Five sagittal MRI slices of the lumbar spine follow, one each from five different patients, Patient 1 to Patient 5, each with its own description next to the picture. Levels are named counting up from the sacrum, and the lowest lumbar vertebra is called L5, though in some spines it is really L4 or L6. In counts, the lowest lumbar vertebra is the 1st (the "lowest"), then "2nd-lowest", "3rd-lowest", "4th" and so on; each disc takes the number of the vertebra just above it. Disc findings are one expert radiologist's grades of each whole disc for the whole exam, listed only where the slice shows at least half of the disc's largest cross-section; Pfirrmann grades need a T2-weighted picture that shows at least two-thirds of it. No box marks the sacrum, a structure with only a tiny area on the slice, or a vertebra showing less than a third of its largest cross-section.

Patient 1 of 5:
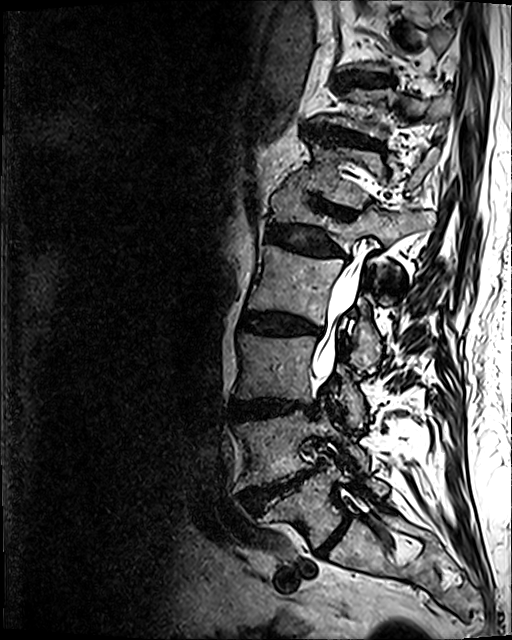 Slice 47 of 120; Image 512x640; T2 SPACE (3D) sagittal MRI of the lumbar spine; Slice spacing 0.9 mm
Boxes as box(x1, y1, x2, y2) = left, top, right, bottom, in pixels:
6th vertebra = box(292, 139, 438, 208).
Spinal canal = box(313, 254, 363, 379).
Lowest vertebra = box(270, 460, 387, 548).
7th vertebra = box(311, 89, 453, 138).
4th disc = box(241, 312, 321, 335).
3rd-lowest vertebra = box(234, 332, 364, 425).
4th vertebra = box(248, 244, 395, 371).
2nd-lowest vertebra = box(236, 409, 367, 488).
2nd-lowest disc = box(244, 468, 316, 513).
5th vertebra = box(269, 181, 436, 302).
3rd-lowest disc = box(232, 400, 315, 420).
8th disc = box(341, 73, 391, 85).
7th disc = box(305, 126, 382, 149).
5th disc = box(267, 224, 343, 256).
Lowest disc = box(316, 515, 350, 555).
6th disc = box(310, 200, 353, 218).

Per-level radiological findings:
  4th disc: Pfirrmann grade 4, disc narrowing, Modic type II, lower-endplate change, disc bulging, upper-endplate change
  2nd-lowest disc: Pfirrmann grade 5, disc herniation, Modic type II, disc narrowing, lower-endplate change, upper-endplate change, disc bulging
  3rd-lowest disc: Pfirrmann grade 4, disc bulging, upper-endplate change, disc narrowing, lower-endplate change
  7th disc: Pfirrmann grade 4, upper-endplate change, disc bulging, lower-endplate change, disc narrowing
  5th disc: Pfirrmann grade 4, lower-endplate change, disc bulging, disc narrowing, upper-endplate change
  8th disc: upper-endplate change, disc bulging, lower-endplate change

Patient 2 of 5:
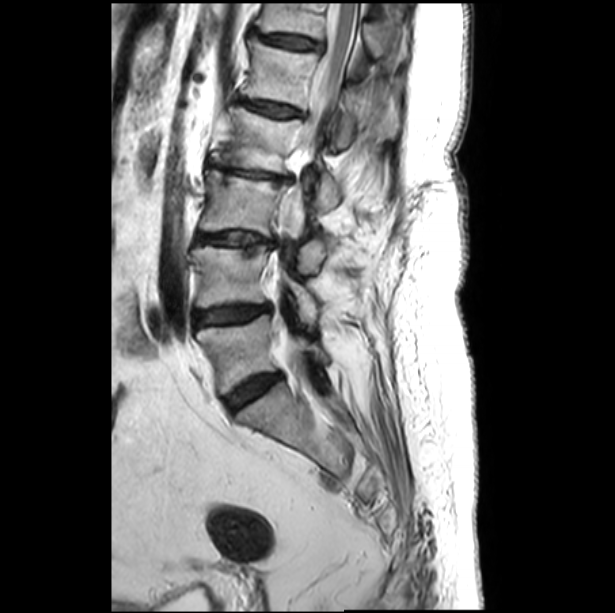 Lumbar spine MR, T2-weighted, sagittal | Slice 14 of 32

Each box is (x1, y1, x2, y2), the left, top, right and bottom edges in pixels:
• L3/L4 (3rd-lowest disc) = (196, 232, 274, 246)
• L4 (2nd-lowest vertebra) = (192, 246, 316, 323)
• L2 (4th vertebra) = (211, 107, 342, 210)
• L4/L5 (2nd-lowest disc) = (195, 304, 269, 325)
• disc L5/S1 (lowest disc) = (226, 374, 280, 410)
• T12 (6th vertebra) = (256, 3, 407, 61)
• L5 (lowest vertebra) = (198, 301, 327, 393)
• disc T12/L1 (6th disc) = (261, 35, 320, 49)
• thecal sac / spinal canal = (282, 3, 358, 231)
• L2/L3 (4th disc) = (207, 162, 292, 183)
• disc L1/L2 (5th disc) = (242, 100, 300, 118)
• L3 (3rd-lowest vertebra) = (200, 170, 327, 273)
• L1 (5th vertebra) = (240, 37, 398, 153)

Degenerative findings by level:
• L4/L5 (2nd-lowest disc): Pfirrmann grade 4, disc bulging
• L2/L3 (4th disc): disc narrowing, upper-endplate change, lower-endplate change, Modic type II, disc bulging
• L5/S1 (lowest disc): disc bulging
• T12/L1 (6th disc): Pfirrmann grade 3, upper-endplate change, lower-endplate change, Modic type II, disc bulging
• L3/L4 (3rd-lowest disc): Pfirrmann grade 3, lower-endplate change, disc narrowing, Modic type II, upper-endplate change, disc bulging
• L1/L2 (5th disc): Pfirrmann grade 3, lower-endplate change, Modic type II, upper-endplate change, disc bulging

Patient 3 of 5:
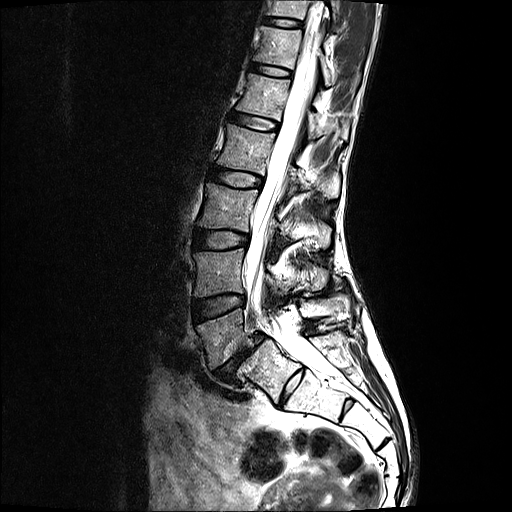
Lumbar spine MR, T2-weighted, sagittal.

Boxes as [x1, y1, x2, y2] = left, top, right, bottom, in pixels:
Lowest disc: [212, 332, 266, 381].
6th disc: [251, 63, 291, 76].
3rd-lowest disc: [195, 229, 250, 248].
7th vertebra: [268, 0, 339, 30].
5th vertebra: [237, 73, 348, 139].
3rd-lowest vertebra: [200, 183, 332, 246].
6th vertebra: [255, 25, 332, 85].
7th disc: [265, 17, 303, 26].
2nd-lowest disc: [194, 294, 246, 320].
2nd-lowest vertebra: [195, 248, 323, 304].
Spinal canal: [247, 0, 332, 375].
4th disc: [212, 166, 264, 187].
5th disc: [231, 113, 279, 130].
4th vertebra: [219, 124, 341, 196].
Lowest vertebra: [196, 296, 350, 369].

Per-level radiological findings:
  6th disc: Pfirrmann grade 2
  lowest disc: Pfirrmann grade 5, spondylolisthesis, Modic type II, disc narrowing, disc bulging
  7th disc: Pfirrmann grade 2
  4th disc: Pfirrmann grade 2
  3rd-lowest disc: Pfirrmann grade 2
  2nd-lowest disc: Pfirrmann grade 2
  5th disc: Pfirrmann grade 2

Patient 4 of 5:
Sagittal T2-weighted lumbar spine MRI, Scanner: SIEMENS Avanto_fit (1.5T)

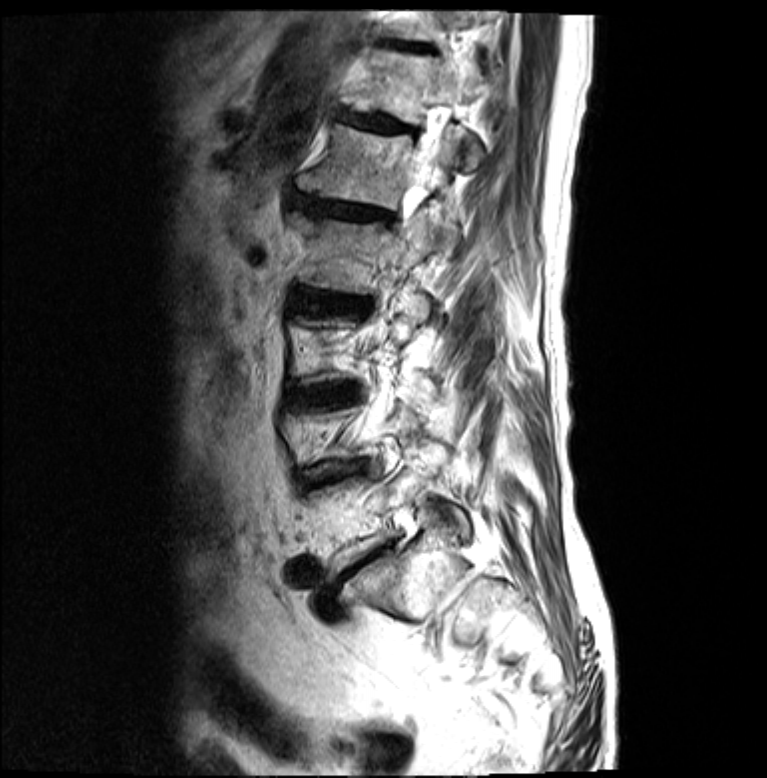
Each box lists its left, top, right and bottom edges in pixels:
IVD T11/T12 (7th disc) at left=385, top=42, right=430, bottom=52.
L3/L4 (3rd-lowest disc) at left=325, top=385, right=358, bottom=403.
Spinal canal at left=415, top=140, right=438, bottom=188.
T12/L1 (6th disc) at left=337, top=111, right=418, bottom=132.
T12 (6th vertebra) at left=341, top=56, right=482, bottom=169.
L2 (4th vertebra) at left=291, top=210, right=438, bottom=293.
L1/L2 (5th disc) at left=297, top=197, right=392, bottom=222.
IVD L2/L3 (4th disc) at left=297, top=293, right=368, bottom=314.
L1 (5th vertebra) at left=299, top=125, right=458, bottom=251.

Radiological gradings:
  L2/L3 (4th disc): upper-endplate change, Modic type II, lower-endplate change, disc bulging, disc narrowing
  T12/L1 (6th disc): Pfirrmann grade 5, Modic type II, lower-endplate change, disc narrowing, upper-endplate change, disc bulging
  L1/L2 (5th disc): Pfirrmann grade 5, lower-endplate change, Modic type II, disc narrowing, upper-endplate change, disc bulging

Patient 5 of 5:
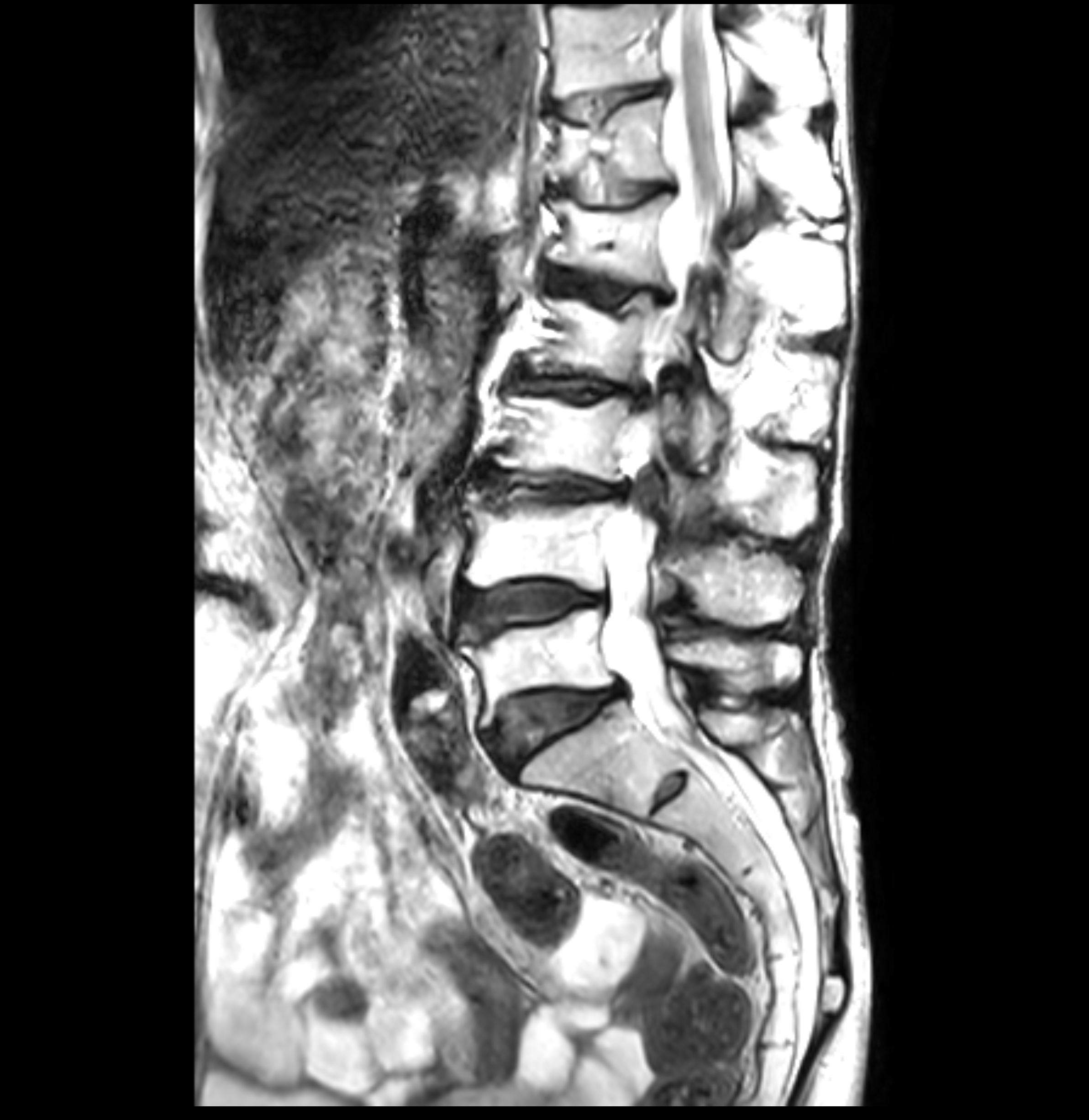
Sagittal T2-weighted lumbar spine MRI
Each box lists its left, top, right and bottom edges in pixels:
L4 (2nd-lowest vertebra): left=462, top=487, right=804, bottom=623.
T12/L1 (6th disc): left=554, top=164, right=663, bottom=204.
L3 (3rd-lowest vertebra): left=499, top=394, right=816, bottom=534.
IVD T11/T12 (7th disc): left=557, top=85, right=663, bottom=122.
Spinal canal: left=605, top=4, right=731, bottom=734.
T12 (6th vertebra): left=547, top=95, right=841, bottom=216.
IVD L2/L3 (4th disc): left=513, top=365, right=646, bottom=405.
L2 (4th vertebra): left=532, top=296, right=829, bottom=459.
T11 (7th vertebra): left=552, top=3, right=831, bottom=104.
L1 (5th vertebra): left=549, top=192, right=841, bottom=354.
IVD L4/L5 (2nd-lowest disc): left=459, top=581, right=610, bottom=638.
L5/S1 (lowest disc): left=491, top=686, right=622, bottom=770.
L5 (lowest vertebra): left=459, top=609, right=800, bottom=728.
L3/L4 (3rd-lowest disc): left=481, top=469, right=627, bottom=502.
IVD L1/L2 (5th disc): left=545, top=267, right=671, bottom=302.

Degenerative findings by level:
• T12/L1 (6th disc): Pfirrmann grade 3, upper-endplate change, lower-endplate change, Modic type II
• L4/L5 (2nd-lowest disc): Pfirrmann grade 4, lower-endplate change, Modic type II, upper-endplate change, disc bulging
• L3/L4 (3rd-lowest disc): disc narrowing, lower-endplate change, disc bulging, upper-endplate change, Modic type II
• T11/T12 (7th disc): Pfirrmann grade 1, Modic type II, lower-endplate change, upper-endplate change
• L5/S1 (lowest disc): Pfirrmann grade 4, upper-endplate change, Modic type II, lower-endplate change, disc bulging
• L2/L3 (4th disc): Modic type II, lower-endplate change, disc narrowing, disc bulging, upper-endplate change